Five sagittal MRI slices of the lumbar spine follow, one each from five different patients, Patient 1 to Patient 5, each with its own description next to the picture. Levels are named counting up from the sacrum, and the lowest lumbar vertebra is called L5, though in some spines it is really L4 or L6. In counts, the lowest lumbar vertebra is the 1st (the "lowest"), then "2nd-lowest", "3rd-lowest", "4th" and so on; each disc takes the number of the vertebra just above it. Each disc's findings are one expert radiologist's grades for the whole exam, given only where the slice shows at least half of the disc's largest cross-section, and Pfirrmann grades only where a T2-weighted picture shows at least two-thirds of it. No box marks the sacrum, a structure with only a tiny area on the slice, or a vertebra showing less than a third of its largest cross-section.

Patient 1 of 5:
Patient sex: F, Slice 18/27, T2-weighted sagittal MRI of the lumbar spine, SIEMENS Avanto_fit (1.5T)

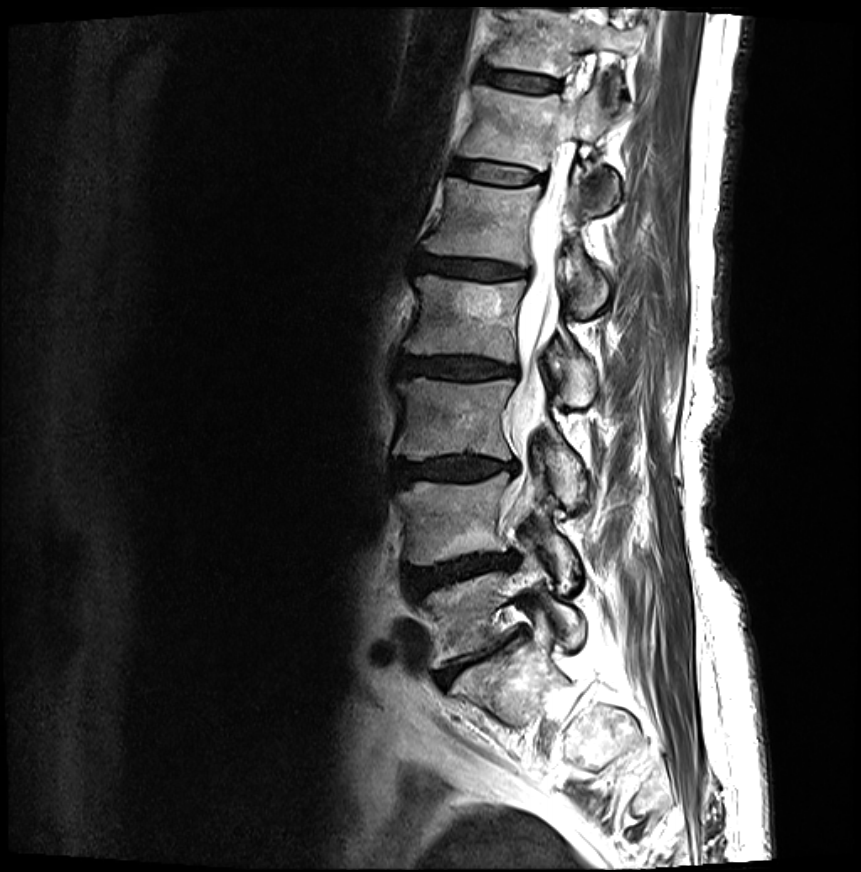
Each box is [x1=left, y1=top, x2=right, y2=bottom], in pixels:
7th disc: [x1=477, y1=69, x2=557, y2=93].
3rd-lowest vertebra: [x1=393, y1=378, x2=586, y2=508].
Lowest disc: [x1=437, y1=642, x2=503, y2=685].
6th vertebra: [x1=459, y1=85, x2=618, y2=213].
3rd-lowest disc: [x1=393, y1=457, x2=517, y2=484].
2nd-lowest disc: [x1=407, y1=554, x2=515, y2=594].
2nd-lowest vertebra: [x1=397, y1=473, x2=577, y2=589].
Spinal canal: [x1=509, y1=135, x2=572, y2=503].
7th vertebra: [x1=486, y1=9, x2=638, y2=105].
6th disc: [x1=454, y1=162, x2=537, y2=184].
5th vertebra: [x1=424, y1=173, x2=609, y2=319].
4th vertebra: [x1=404, y1=276, x2=596, y2=406].
Lowest vertebra: [x1=419, y1=540, x2=584, y2=668].
4th disc: [x1=397, y1=357, x2=515, y2=379].
5th disc: [x1=419, y1=257, x2=524, y2=281].

Radiological gradings:
- 5th disc: Pfirrmann grade 4, upper-endplate change, disc bulging, Modic type II, disc narrowing, lower-endplate change
- 2nd-lowest disc: Pfirrmann grade 4, disc narrowing, lower-endplate change, disc bulging, Modic type II, upper-endplate change, disc herniation
- 4th disc: Pfirrmann grade 4, lower-endplate change, upper-endplate change, disc narrowing, Modic type II, disc bulging
- 7th disc: Pfirrmann grade 2, lower-endplate change, upper-endplate change, Modic type II
- 3rd-lowest disc: Pfirrmann grade 4, lower-endplate change, upper-endplate change, disc bulging, disc narrowing, Modic type II
- 6th disc: Pfirrmann grade 2, upper-endplate change, lower-endplate change, Modic type II

Patient 2 of 5:
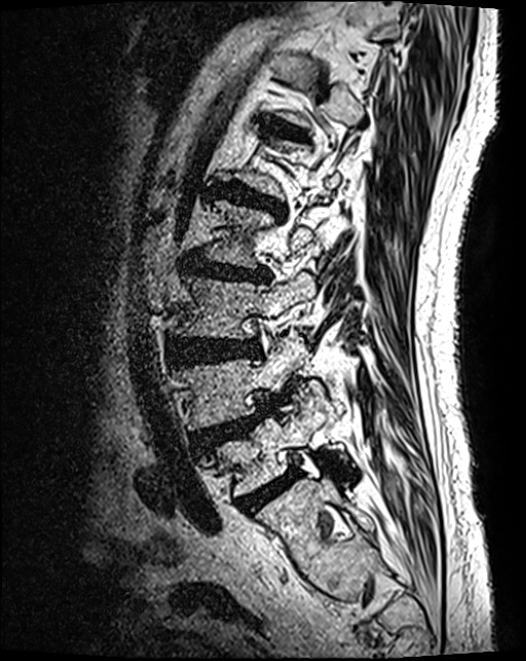 Slice spacing 0.9 mm. Image 526x661. Sagittal T2 SPACE (3D) lumbar spine MRI.
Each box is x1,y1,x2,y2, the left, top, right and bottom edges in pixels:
6th disc: 270,124,304,138
4th vertebra: 203,200,313,269
2nd-lowest vertebra: 176,343,297,431
2nd-lowest disc: 193,406,270,452
lowest vertebra: 211,405,344,496
4th disc: 184,258,268,284
lowest disc: 237,471,298,513
3rd-lowest disc: 170,340,258,364
5th disc: 219,184,283,214
3rd-lowest vertebra: 172,272,313,341

Expert MSK radiologist gradings (per disc):
- 2nd-lowest disc: upper-endplate change, spondylolisthesis, disc herniation
- 4th disc: Pfirrmann grade 4, lower-endplate change, upper-endplate change, disc bulging, disc narrowing
- 3rd-lowest disc: Pfirrmann grade 4, disc bulging
- 5th disc: Pfirrmann grade 4, disc bulging, upper-endplate change, lower-endplate change
- lowest disc: no spondylolisthesis, narrowing, bulging, herniation, Modic or endplate change recorded

Patient 3 of 5:
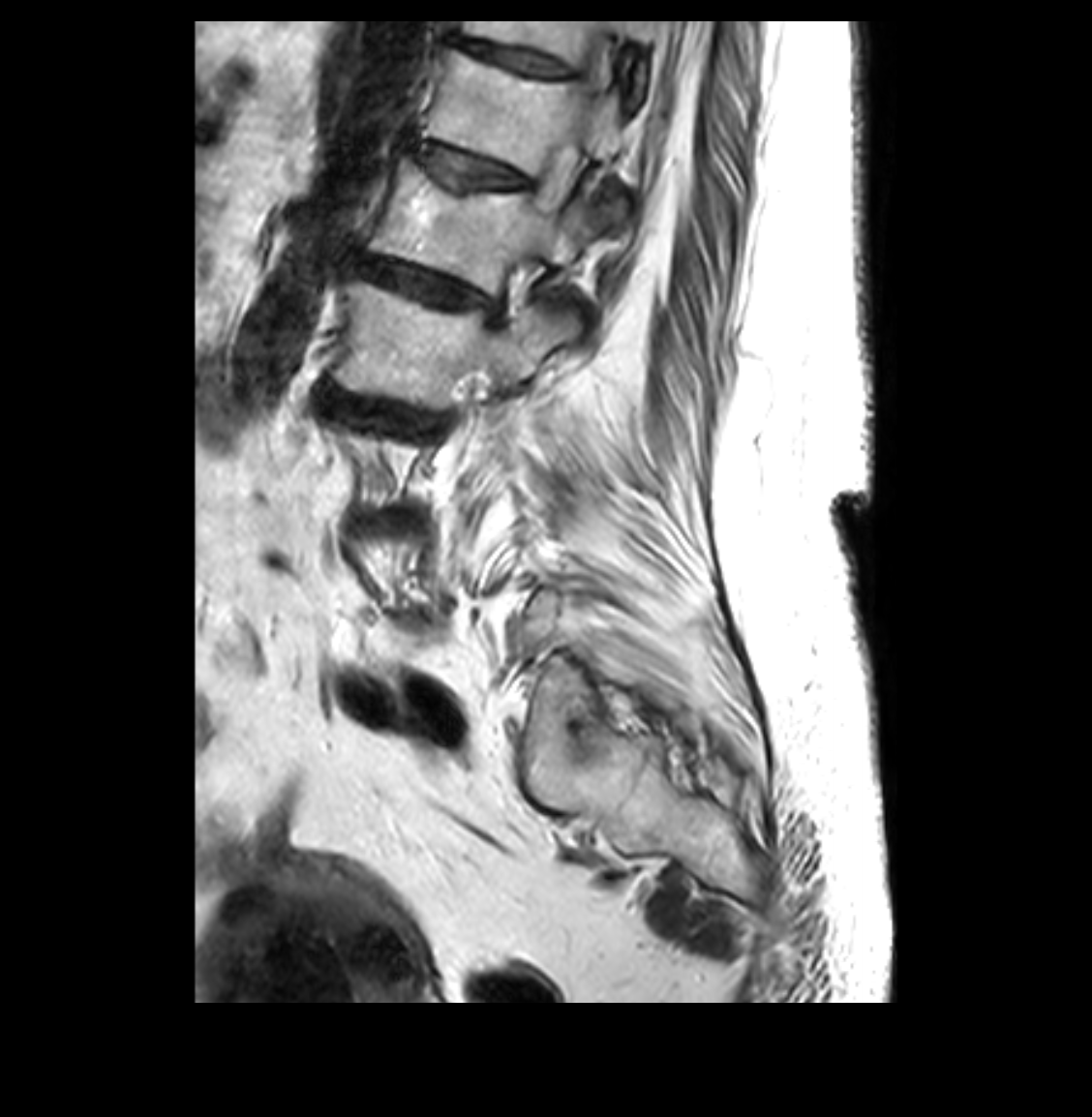

Lumbar spine MR, T2-weighted, sagittal. Slice 25/33. Slice spacing 3.3 mm.

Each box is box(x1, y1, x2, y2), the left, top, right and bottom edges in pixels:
* L1 vertebra: box(368, 157, 604, 292)
* T11 vertebra: box(463, 21, 652, 93)
* thecal sac / spinal canal: box(531, 29, 606, 220)
* L2: box(331, 272, 579, 394)
* L1/L2: box(358, 257, 499, 316)
* disc T11/T12: box(458, 38, 564, 75)
* T12: box(422, 49, 621, 210)
* T12/L1: box(414, 143, 526, 188)

Radiological gradings:
• L1/L2: Pfirrmann grade 4, upper-endplate change, disc bulging, disc narrowing, lower-endplate change
• T12/L1: Pfirrmann grade 4, disc narrowing, disc bulging
• T11/T12: Pfirrmann grade 4, disc narrowing

Patient 4 of 5:
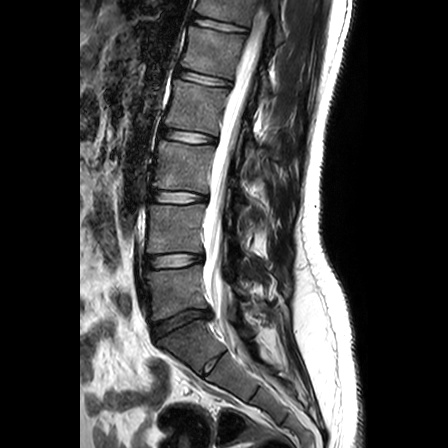 Sagittal slice index 13, Sex M, MRI lumbar spine (T2-weighted), sagittal plane
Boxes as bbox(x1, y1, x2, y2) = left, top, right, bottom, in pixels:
L3/L4 at bbox(151, 190, 206, 202); T12 at bbox(196, 0, 284, 44); intervertebral disc L4/L5 at bbox(146, 254, 202, 268); L5 vertebra at bbox(147, 265, 249, 320); intervertebral disc L5/S1 at bbox(153, 309, 212, 337); L4 vertebra at bbox(147, 204, 239, 252); L3 at bbox(153, 140, 245, 203); T12/L1 at bbox(193, 16, 248, 32); intervertebral disc L1/L2 at bbox(176, 68, 231, 86); L2 at bbox(164, 80, 255, 158); intervertebral disc L2/L3 at bbox(160, 128, 215, 142); spinal canal at bbox(203, 9, 266, 356); L1 at bbox(181, 26, 271, 103).

Radiological gradings:
  L5/S1: Pfirrmann grade 3, Modic type II, upper-endplate change, disc herniation, lower-endplate change
  L4/L5: Pfirrmann grade 1
  L2/L3: Pfirrmann grade 1
  T12/L1: Pfirrmann grade 1
  L3/L4: Pfirrmann grade 1
  L1/L2: Pfirrmann grade 1

Patient 5 of 5:
Patient sex: M. Lumbar spine MR, T2 SPACE (3D), sagittal. 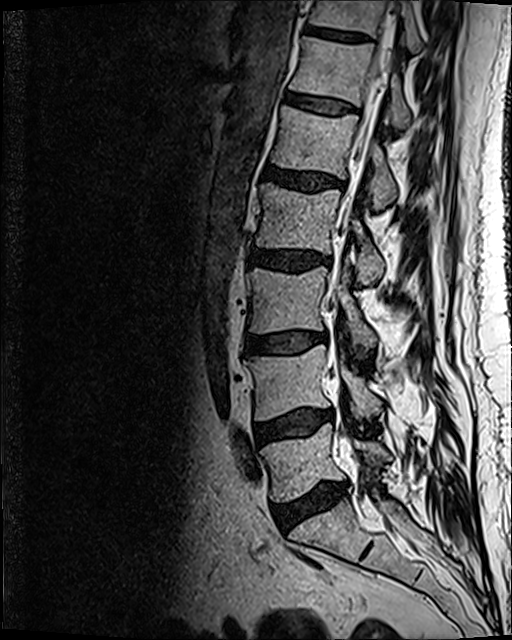

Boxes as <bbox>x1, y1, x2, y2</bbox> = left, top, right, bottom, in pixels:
4th disc: <bbox>250, 251, 330, 270</bbox>.
2nd-lowest disc: <bbox>255, 410, 331, 443</bbox>.
3rd-lowest vertebra: <bbox>246, 266, 376, 350</bbox>.
4th vertebra: <bbox>256, 183, 384, 285</bbox>.
2nd-lowest vertebra: <bbox>244, 345, 381, 420</bbox>.
Lowest vertebra: <bbox>260, 423, 391, 501</bbox>.
5th vertebra: <bbox>271, 105, 396, 209</bbox>.
6th disc: <bbox>286, 93, 356, 113</bbox>.
7th vertebra: <bbox>310, 0, 421, 52</bbox>.
Thecal sac / spinal canal: <bbox>307, 12, 396, 230</bbox>.
Lowest disc: <bbox>274, 483, 347, 528</bbox>.
3rd-lowest disc: <bbox>242, 331, 314, 354</bbox>.
7th disc: <bbox>303, 25, 369, 41</bbox>.
6th vertebra: <bbox>289, 37, 410, 128</bbox>.
5th disc: <bbox>263, 165, 342, 193</bbox>.

Degenerative findings by level:
  lowest disc: Pfirrmann grade 3, disc narrowing, Modic type II, disc bulging
  2nd-lowest disc: Pfirrmann grade 2, disc bulging, Modic type II
  5th disc: Pfirrmann grade 3, disc bulging
  7th disc: Pfirrmann grade 3
  6th disc: Pfirrmann grade 2
  4th disc: Pfirrmann grade 3, disc bulging
  3rd-lowest disc: Pfirrmann grade 2, Modic type II, disc bulging